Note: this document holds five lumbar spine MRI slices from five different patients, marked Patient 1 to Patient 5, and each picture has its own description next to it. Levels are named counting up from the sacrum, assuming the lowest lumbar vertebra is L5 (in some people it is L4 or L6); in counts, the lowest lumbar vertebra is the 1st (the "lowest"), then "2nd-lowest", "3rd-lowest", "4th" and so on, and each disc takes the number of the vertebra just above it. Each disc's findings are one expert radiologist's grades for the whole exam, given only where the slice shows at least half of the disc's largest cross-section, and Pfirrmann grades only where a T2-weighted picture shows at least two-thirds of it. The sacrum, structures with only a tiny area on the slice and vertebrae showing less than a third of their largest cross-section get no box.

Patient 1 of 5:
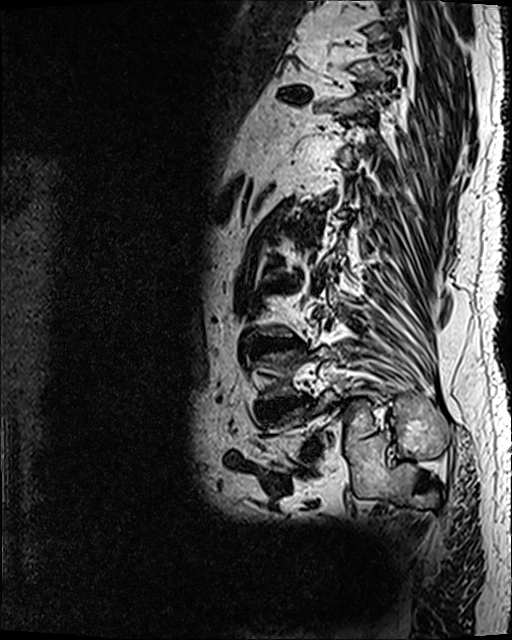 Slice spacing 0.9 mm; Slice 33 of 120; Lumbar spine MR, T2 SPACE (3D), sagittal

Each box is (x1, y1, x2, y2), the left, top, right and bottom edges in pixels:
Segmented structures:
- 2nd-lowest disc at (256, 396, 311, 424)
- 4th disc at (268, 279, 297, 291)
- lowest disc at (307, 446, 321, 459)
- 3rd-lowest disc at (256, 337, 301, 351)
- 2nd-lowest vertebra at (256, 347, 331, 400)
- 8th disc at (278, 86, 309, 102)
- 5th disc at (287, 226, 308, 238)

Radiological gradings:
• 2nd-lowest disc: disc narrowing, disc bulging, Modic type II, lower-endplate change, upper-endplate change

Patient 2 of 5:
Patient sex: M | MRI lumbar spine (T1-weighted), sagittal plane 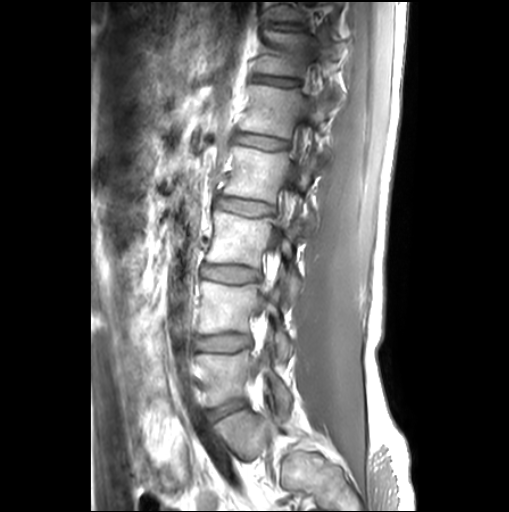

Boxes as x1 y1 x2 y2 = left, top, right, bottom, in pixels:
Structures:
• intervertebral disc T11/T12: 266 22 306 30
• intervertebral disc L3/L4: 201 264 259 281
• L4: 198 281 292 363
• L5: 196 343 291 420
• T12/L1: 254 75 300 86
• L3 vertebra: 207 208 301 301
• L1: 240 84 331 161
• T12 vertebra: 255 30 337 77
• thecal sac / spinal canal: 259 95 314 310
• L2/L3: 217 196 273 215
• intervertebral disc L1/L2: 238 133 289 149
• L2: 224 146 323 235
• intervertebral disc L4/L5: 194 334 250 350
• L5/S1: 206 401 245 419

Expert MSK radiologist gradings (per disc):
  T11/T12: lower-endplate change, upper-endplate change
  T12/L1: lower-endplate change, upper-endplate change
  L1/L2: Modic type II
  L5/S1, L2/L3, L4/L5, L3/L4: no spondylolisthesis, narrowing, bulging, herniation, Modic or endplate change recorded

Patient 3 of 5:
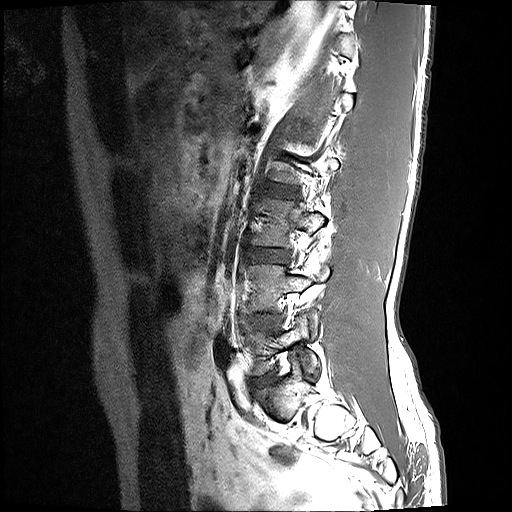

MRI lumbar spine (T1-weighted), sagittal plane. Sex M. Field of view 300x300 mm.

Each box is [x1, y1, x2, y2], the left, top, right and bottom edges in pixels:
L4/L5: [257, 316, 273, 325].
L5: [246, 314, 319, 375].
L4: [247, 260, 329, 337].
L3/L4: [256, 250, 288, 259].
IVD L2/L3: [274, 188, 292, 195].
L3: [251, 197, 342, 245].
IVD L5/S1: [254, 372, 274, 384].

Patient 4 of 5:
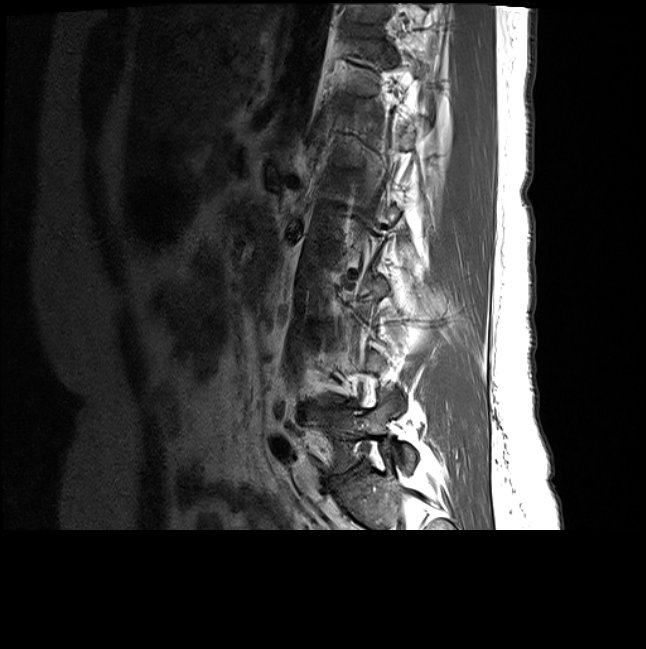 Sagittal T1-weighted lumbar spine MRI. Slice 18/20. Slice spacing 3.3 mm.
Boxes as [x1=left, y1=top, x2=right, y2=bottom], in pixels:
{"T12/L1 (6th disc)": "[x1=339, y1=95, x2=367, y2=103]", "L3/L4 (3rd-lowest disc)": "[x1=310, y1=327, x2=328, y2=334]", "disc L5/S1 (lowest disc)": "[x1=328, y1=465, x2=360, y2=486]", "L5 (lowest vertebra)": "[x1=325, y1=391, x2=415, y2=472]", "disc T11/T12 (7th disc)": "[x1=352, y1=23, x2=379, y2=33]", "disc L4/L5 (2nd-lowest disc)": "[x1=325, y1=400, x2=357, y2=407]"}

Patient 5 of 5:
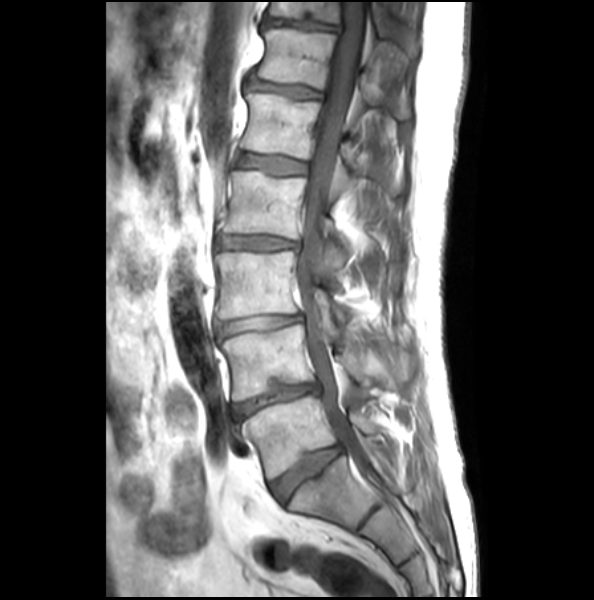 Sagittal T1-weighted lumbar spine MRI. Sagittal slice index 13. Patient sex: M.
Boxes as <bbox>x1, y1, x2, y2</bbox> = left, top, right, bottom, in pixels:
L2/L3 = <bbox>219, 236, 297, 249</bbox>.
L3/L4 = <bbox>216, 314, 301, 336</bbox>.
IVD L1/L2 = <bbox>237, 153, 305, 174</bbox>.
T11 = <bbox>270, 3, 417, 53</bbox>.
L4/L5 = <bbox>232, 383, 319, 421</bbox>.
IVD T11/T12 = <bbox>265, 19, 338, 30</bbox>.
Thecal sac / spinal canal = <bbox>296, 3, 370, 475</bbox>.
T12 = <bbox>255, 29, 410, 118</bbox>.
L5 vertebra = <bbox>243, 395, 382, 478</bbox>.
L2 vertebra = <bbox>224, 171, 381, 267</bbox>.
L1 = <bbox>241, 94, 401, 192</bbox>.
T12/L1 = <bbox>249, 81, 320, 99</bbox>.
IVD L5/S1 = <bbox>270, 445, 342, 501</bbox>.
L3 = <bbox>216, 252, 348, 334</bbox>.
L4 vertebra = <bbox>221, 324, 413, 401</bbox>.

Radiological gradings:
• L4/L5: lower-endplate change, disc bulging, disc narrowing
• L3/L4: disc narrowing, disc bulging
• L2/L3: disc narrowing, disc bulging
• T11/T12: upper-endplate change, lower-endplate change, disc bulging
• L5/S1: lower-endplate change, upper-endplate change
• L1/L2: upper-endplate change
• T12/L1: disc bulging, upper-endplate change